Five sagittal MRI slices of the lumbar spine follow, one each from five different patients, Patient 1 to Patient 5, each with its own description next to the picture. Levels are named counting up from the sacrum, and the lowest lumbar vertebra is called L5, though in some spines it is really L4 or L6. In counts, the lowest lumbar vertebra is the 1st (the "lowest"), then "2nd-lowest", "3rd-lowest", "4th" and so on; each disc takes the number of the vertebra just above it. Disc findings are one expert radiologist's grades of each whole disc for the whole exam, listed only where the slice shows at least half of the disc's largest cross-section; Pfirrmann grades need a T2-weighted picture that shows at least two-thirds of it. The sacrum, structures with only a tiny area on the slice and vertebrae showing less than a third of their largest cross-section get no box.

Patient 1 of 5:
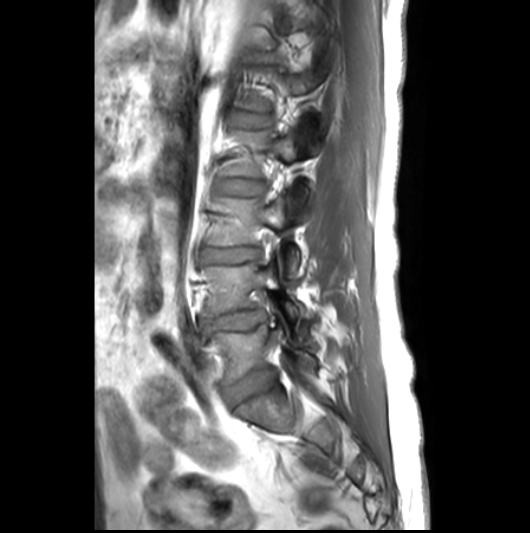
Slice spacing 3.3 mm, MRI lumbar spine (T1-weighted), sagittal plane, Image 530x533, Sex M
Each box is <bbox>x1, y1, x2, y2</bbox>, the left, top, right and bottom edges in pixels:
L4 (2nd-lowest vertebra) at <bbox>204, 264, 302, 325</bbox>.
Disc L4/L5 (2nd-lowest disc) at <bbox>202, 310, 266, 331</bbox>.
L3 (3rd-lowest vertebra) at <bbox>209, 198, 299, 273</bbox>.
Disc L3/L4 (3rd-lowest disc) at <bbox>203, 247, 259, 262</bbox>.
L5 (lowest vertebra) at <bbox>204, 325, 318, 384</bbox>.
Disc L2/L3 (4th disc) at <bbox>217, 179, 264, 196</bbox>.
Disc L1/L2 (5th disc) at <bbox>238, 113, 267, 126</bbox>.
L5/S1 (lowest disc) at <bbox>226, 369, 277, 406</bbox>.

Expert MSK radiologist gradings (per disc):
• L5/S1 (lowest disc): disc bulging
• L3/L4 (3rd-lowest disc): upper-endplate change, disc bulging
• L4/L5 (2nd-lowest disc): Modic type II, disc herniation, disc bulging, disc narrowing
• L2/L3 (4th disc): no Modic or endplate change, herniation, narrowing, bulging or spondylolisthesis recorded

Patient 2 of 5:
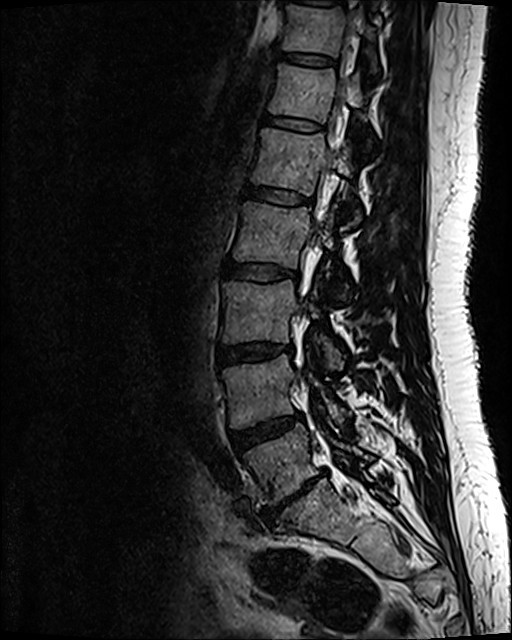
Slice spacing 0.9 mm; Image 512x640; Lumbar spine MR, T2 SPACE (3D), sagittal
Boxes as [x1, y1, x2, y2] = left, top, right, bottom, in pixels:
T11 = [284, 5, 377, 68] | T12 vertebra = [270, 64, 369, 142] | L3/L4 = [219, 343, 292, 365] | IVD L1/L2 = [245, 187, 311, 205] | L4 vertebra = [223, 354, 346, 426] | L2 vertebra = [233, 203, 333, 267] | IVD T11/T12 = [274, 51, 333, 65] | L1 vertebra = [252, 128, 361, 224] | L5 = [244, 425, 371, 504] | spinal canal = [304, 141, 337, 294] | IVD T12/L1 = [265, 116, 321, 131] | IVD L5/S1 = [263, 475, 319, 524] | L3 = [222, 281, 341, 368] | IVD L4/L5 = [230, 414, 300, 449] | IVD L2/L3 = [225, 261, 299, 280]

Per-level radiological findings:
• L5/S1: disc herniation, lower-endplate change, disc bulging, upper-endplate change, disc narrowing, Modic type III
• L4/L5: Pfirrmann grade 3, disc bulging
• T12/L1: Pfirrmann grade 2
• L2/L3: Pfirrmann grade 2
• L1/L2: Pfirrmann grade 2
• L3/L4: Pfirrmann grade 2, disc bulging
• T11/T12: no Modic or endplate change, herniation, narrowing, bulging or spondylolisthesis recorded

Patient 3 of 5:
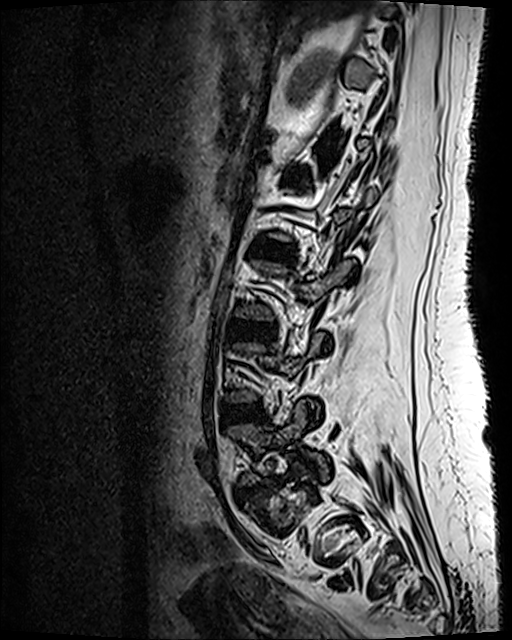
Slice 85 of 120. 512x640 px. MRI lumbar spine (T2 SPACE (3D)), sagittal plane.

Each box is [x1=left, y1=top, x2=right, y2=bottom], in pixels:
- IVD L2/L3 (4th disc) = [x1=247, y1=239, x2=294, y2=260]
- L5 (lowest vertebra) = [x1=228, y1=402, x2=327, y2=483]
- IVD L5/S1 (lowest disc) = [x1=240, y1=481, x2=272, y2=496]
- IVD L3/L4 (3rd-lowest disc) = [x1=228, y1=321, x2=276, y2=342]
- IVD L1/L2 (5th disc) = [x1=287, y1=172, x2=299, y2=180]
- L4/L5 (2nd-lowest disc) = [x1=223, y1=405, x2=263, y2=423]

Patient 4 of 5:
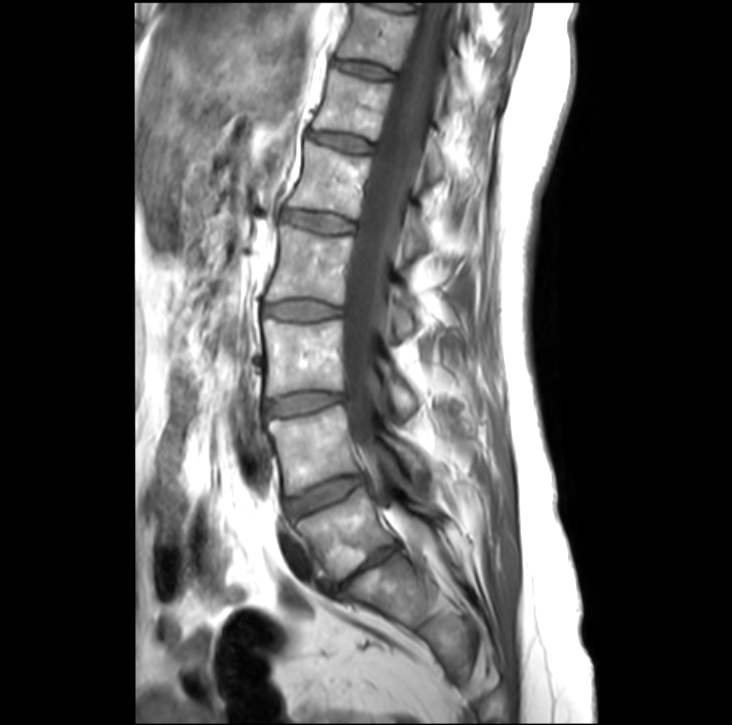 T1-weighted sagittal MRI of the lumbar spine, Sex F
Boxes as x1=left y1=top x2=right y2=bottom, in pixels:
3rd-lowest disc at x1=268 y1=395 x2=342 y2=416 | 6th disc at x1=306 y1=132 x2=368 y2=153 | 5th disc at x1=282 y1=212 x2=351 y2=233 | 3rd-lowest vertebra at x1=264 y1=322 x2=418 y2=414 | 2nd-lowest disc at x1=286 y1=477 x2=363 y2=515 | 5th vertebra at x1=289 y1=143 x2=480 y2=250 | 4th vertebra at x1=266 y1=227 x2=419 y2=331 | 7th disc at x1=332 y1=60 x2=390 y2=79 | spinal canal at x1=343 y1=0 x2=444 y2=514 | lowest disc at x1=339 y1=547 x2=397 y2=591 | 6th vertebra at x1=310 y1=70 x2=486 y2=177 | lowest vertebra at x1=296 y1=490 x2=441 y2=582 | 2nd-lowest vertebra at x1=270 y1=406 x2=431 y2=496 | 4th disc at x1=264 y1=301 x2=339 y2=321 | 7th vertebra at x1=337 y1=3 x2=467 y2=106

Per-level radiological findings:
- 3rd-lowest disc: disc bulging
- lowest disc: lower-endplate change, Modic type II, upper-endplate change, disc bulging, disc narrowing
- 2nd-lowest disc: disc bulging
- 5th disc, 7th disc, 6th disc, 4th disc: no Modic or endplate change, herniation, narrowing, bulging or spondylolisthesis recorded

Patient 5 of 5:
Image 512x640, T2 SPACE (3D) sagittal MRI of the lumbar spine, Slice 51 of 120
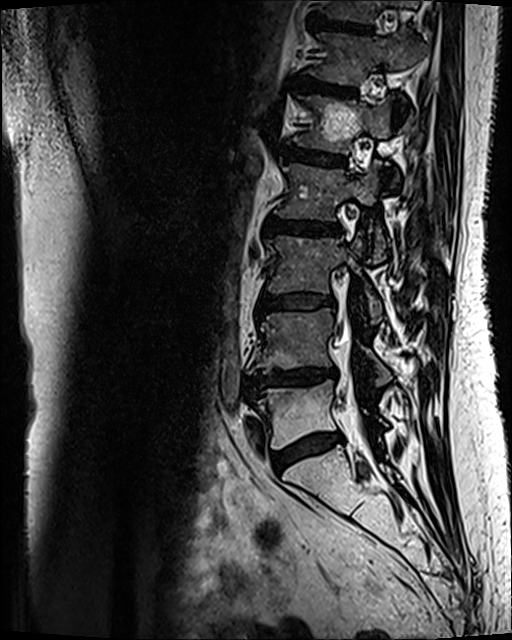

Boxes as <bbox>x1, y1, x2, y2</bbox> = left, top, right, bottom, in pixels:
T11/T12 at <bbox>311, 18, 371, 33</bbox>, L3/L4 at <bbox>259, 295, 333, 312</bbox>, L3 vertebra at <bbox>268, 233, 382, 324</bbox>, L1/L2 at <bbox>285, 148, 345, 166</bbox>, L1 at <bbox>294, 96, 397, 180</bbox>, L2 at <bbox>275, 165, 385, 262</bbox>, IVD L4/L5 at <bbox>243, 368, 336, 396</bbox>, L4 vertebra at <bbox>248, 308, 392, 384</bbox>, L5/S1 at <bbox>273, 434, 342, 473</bbox>, L5 at <bbox>253, 380, 383, 448</bbox>, IVD T12/L1 at <bbox>296, 78, 354, 97</bbox>, T11 vertebra at <bbox>329, 0, 417, 21</bbox>, thecal sac / spinal canal at <bbox>335, 320, 351, 350</bbox>, T12 vertebra at <bbox>311, 28, 423, 84</bbox>, L2/L3 at <bbox>266, 217, 341, 235</bbox>.

Per-level radiological findings:
- T12/L1: Pfirrmann grade 3, Modic type II
- L5/S1: Pfirrmann grade 3, disc bulging, Modic type II
- L2/L3: Pfirrmann grade 3, Modic type II, disc bulging
- L3/L4: Pfirrmann grade 3, disc bulging, Modic type II
- L4/L5: Pfirrmann grade 4, lower-endplate change, Modic type II, disc narrowing, upper-endplate change, disc bulging
- T11/T12: lower-endplate change, Modic type II, upper-endplate change
- L1/L2: Pfirrmann grade 3, Modic type II